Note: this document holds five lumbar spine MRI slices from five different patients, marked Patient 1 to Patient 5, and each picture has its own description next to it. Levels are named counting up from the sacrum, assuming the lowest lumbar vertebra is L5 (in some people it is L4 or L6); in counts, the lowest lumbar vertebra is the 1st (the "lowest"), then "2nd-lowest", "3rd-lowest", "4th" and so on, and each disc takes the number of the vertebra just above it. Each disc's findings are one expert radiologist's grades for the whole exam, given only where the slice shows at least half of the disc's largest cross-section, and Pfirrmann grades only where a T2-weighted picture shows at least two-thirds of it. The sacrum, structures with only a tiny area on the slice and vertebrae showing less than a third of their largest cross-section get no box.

Patient 1 of 5:
Patient sex: F | Slice 15 of 17 | Sagittal T1-weighted lumbar spine MRI 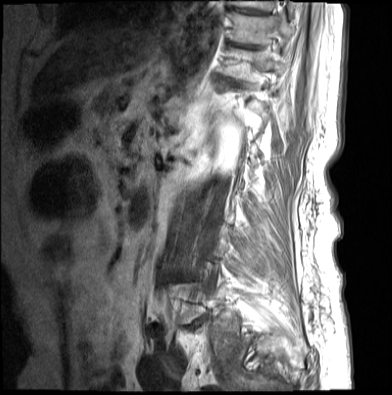
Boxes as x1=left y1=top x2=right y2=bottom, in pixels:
Segmented structures:
- T11 = x1=220 y1=48 x2=285 y2=80
- T10/T11 = x1=228 y1=40 x2=261 y2=48
- T9 vertebra = x1=228 y1=0 x2=273 y2=10
- T9/T10 = x1=234 y1=7 x2=266 y2=14
- T10 = x1=228 y1=11 x2=291 y2=44
- intervertebral disc T11/T12 = x1=225 y1=78 x2=242 y2=85

Radiological gradings:
• T9/T10: no Modic or endplate change, herniation, narrowing, bulging or spondylolisthesis recorded

Patient 2 of 5:
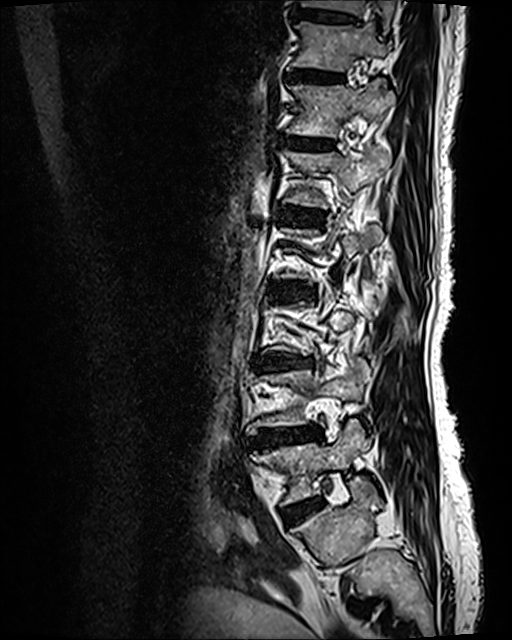 Sagittal T2 SPACE (3D) lumbar spine MRI, Sex F
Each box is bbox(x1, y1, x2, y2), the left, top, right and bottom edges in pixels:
T11/T12 at bbox(288, 69, 341, 80).
L5/S1 at bbox(290, 502, 318, 522).
Intervertebral disc T10/T11 at bbox(293, 11, 352, 20).
T12 vertebra at bbox(286, 81, 394, 137).
L4 at bbox(247, 356, 370, 433).
T11 at bbox(291, 21, 386, 71).
L1/L2 at bbox(278, 207, 322, 225).
Intervertebral disc L2/L3 at bbox(273, 282, 314, 299).
Intervertebral disc L3/L4 at bbox(255, 352, 309, 369).
L4/L5 at bbox(253, 428, 320, 446).
T10 vertebra at bbox(301, 0, 394, 32).
Intervertebral disc T12/L1 at bbox(283, 137, 332, 150).
L5 at bbox(255, 421, 369, 504).
L1 vertebra at bbox(283, 145, 390, 207).

Radiological gradings:
- T10/T11: Pfirrmann grade 2, lower-endplate change, upper-endplate change
- L1/L2: upper-endplate change, lower-endplate change, Modic type II
- T12/L1: Modic type II, lower-endplate change, upper-endplate change
- L3/L4: lower-endplate change, upper-endplate change, Modic type II, disc bulging, disc narrowing
- T11/T12: Modic type II, lower-endplate change, upper-endplate change
- L4/L5: Pfirrmann grade 4, lower-endplate change, disc bulging, Modic type II, disc narrowing, upper-endplate change

Patient 3 of 5:
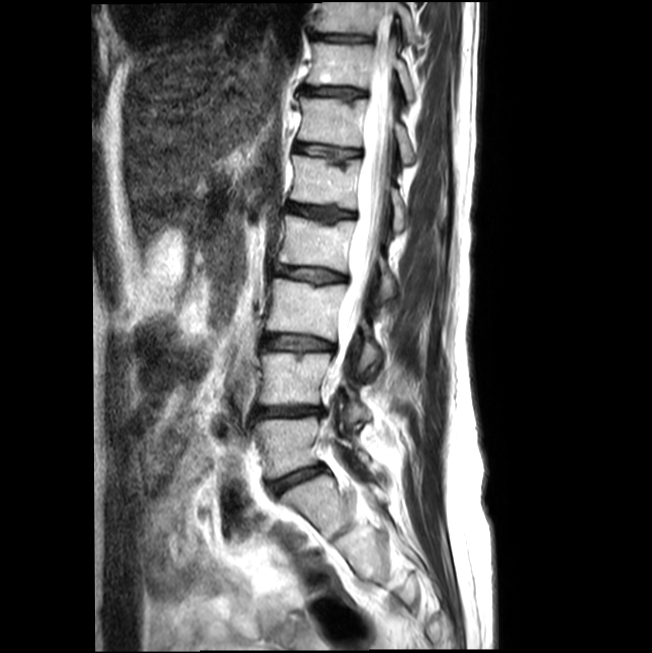 Slice 7 of 17. Sagittal T2-weighted lumbar spine MRI.
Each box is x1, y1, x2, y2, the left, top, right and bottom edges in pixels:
2nd-lowest vertebra — 259, 352, 369, 427.
Thecal sac / spinal canal — 328, 2, 394, 385.
6th vertebra — 299, 97, 414, 162.
2nd-lowest disc — 255, 407, 320, 418.
4th disc — 274, 266, 344, 282.
8th disc — 315, 34, 367, 41.
7th disc — 302, 88, 362, 97.
3rd-lowest disc — 262, 335, 332, 349.
5th vertebra — 290, 155, 405, 232.
Lowest disc — 269, 466, 322, 492.
4th vertebra — 276, 215, 395, 300.
3rd-lowest vertebra — 267, 279, 378, 370.
6th disc — 295, 143, 359, 159.
7th vertebra — 307, 42, 414, 100.
5th disc — 287, 203, 353, 221.
8th vertebra — 316, 2, 413, 41.
Lowest vertebra — 254, 418, 368, 478.

Per-level radiological findings:
  4th disc: Pfirrmann grade 2, upper-endplate change, lower-endplate change, disc narrowing
  2nd-lowest disc: disc narrowing, disc herniation
  lowest disc: disc bulging, disc narrowing
  8th disc: Pfirrmann grade 3, disc narrowing
  7th disc: Pfirrmann grade 3, upper-endplate change, lower-endplate change, disc narrowing
  3rd-lowest disc: Pfirrmann grade 2, disc narrowing, lower-endplate change, upper-endplate change
  6th disc: Pfirrmann grade 2, lower-endplate change, upper-endplate change, disc narrowing
  5th disc: Pfirrmann grade 4, upper-endplate change, lower-endplate change, disc narrowing

Patient 4 of 5:
Scanner: Philips Healthcare Ingenia (3T); T2-weighted sagittal MRI of the lumbar spine

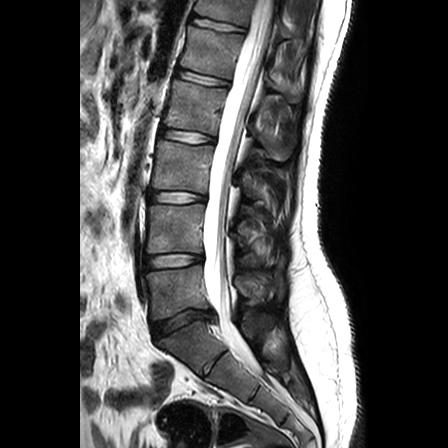 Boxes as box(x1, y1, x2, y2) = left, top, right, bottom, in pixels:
Structures:
- T12/L1 = box(192, 16, 245, 32)
- L4/L5 = box(146, 254, 202, 269)
- spinal canal = box(203, 0, 272, 368)
- disc L5/S1 = box(152, 310, 216, 339)
- L4 = box(147, 204, 257, 260)
- L2 = box(163, 79, 290, 160)
- disc L1/L2 = box(176, 68, 228, 85)
- L1 vertebra = box(180, 26, 300, 103)
- disc L2/L3 = box(160, 128, 214, 142)
- T12 vertebra = box(195, 0, 289, 37)
- L3 vertebra = box(152, 140, 260, 197)
- L5 = box(146, 265, 265, 319)
- disc L3/L4 = box(150, 191, 205, 202)

Expert MSK radiologist gradings (per disc):
• L2/L3: Pfirrmann grade 1
• L3/L4: Pfirrmann grade 1
• L4/L5: Pfirrmann grade 1
• L5/S1: Pfirrmann grade 3, lower-endplate change, Modic type II, disc herniation, upper-endplate change
• T12/L1: Pfirrmann grade 1
• L1/L2: Pfirrmann grade 1

Patient 5 of 5:
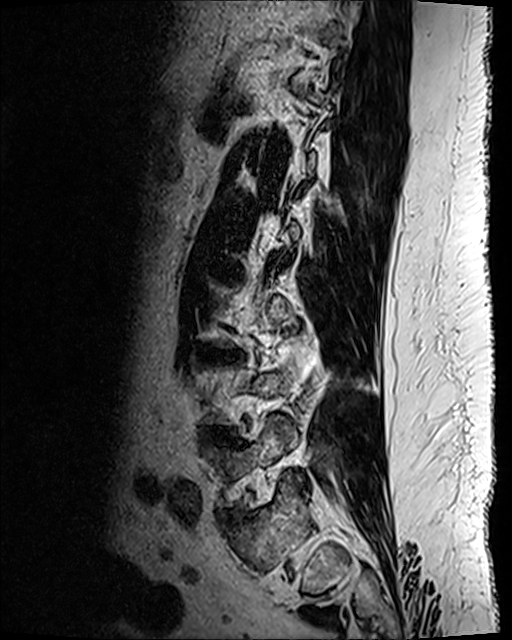 MRI lumbar spine (T2 SPACE (3D)), sagittal plane, Image 512x640, Field of view 240x300 mm

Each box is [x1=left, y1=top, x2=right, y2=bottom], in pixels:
Intervertebral disc L3/L4: [x1=218, y1=352, x2=236, y2=359].
L5: [x1=212, y1=416, x2=302, y2=505].